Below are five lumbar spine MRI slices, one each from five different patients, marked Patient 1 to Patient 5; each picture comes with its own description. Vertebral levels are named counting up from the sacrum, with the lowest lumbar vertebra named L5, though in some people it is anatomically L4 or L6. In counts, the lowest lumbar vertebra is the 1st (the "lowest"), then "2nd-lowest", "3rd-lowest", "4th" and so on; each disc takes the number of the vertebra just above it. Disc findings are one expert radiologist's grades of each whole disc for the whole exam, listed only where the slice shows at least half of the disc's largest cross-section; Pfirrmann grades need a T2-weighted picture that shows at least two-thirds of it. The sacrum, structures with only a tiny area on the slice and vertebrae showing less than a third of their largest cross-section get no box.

Patient 1 of 5:
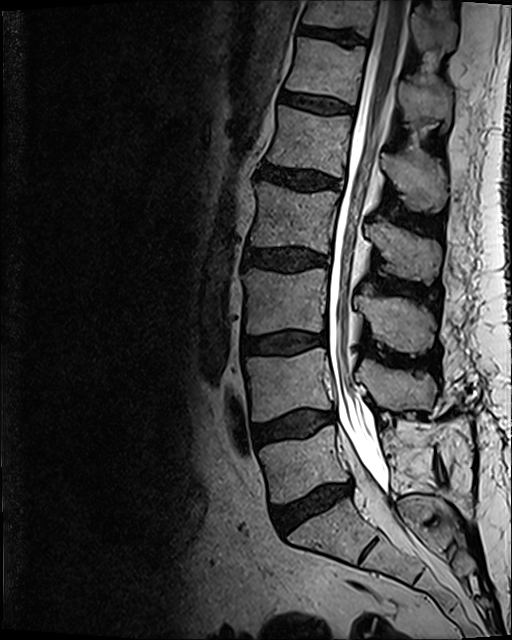 MRI lumbar spine (T2 SPACE (3D)), sagittal plane; Image 512x640
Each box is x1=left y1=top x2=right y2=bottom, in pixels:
Annotations:
• intervertebral disc T12/L1 (6th disc): x1=281 y1=93 x2=353 y2=113
• spinal canal: x1=327 y1=0 x2=409 y2=508
• intervertebral disc L1/L2 (5th disc): x1=258 y1=161 x2=337 y2=190
• intervertebral disc L2/L3 (4th disc): x1=243 y1=247 x2=327 y2=270
• L1 (5th vertebra): x1=267 y1=105 x2=446 y2=211
• L5 (lowest vertebra): x1=259 y1=424 x2=433 y2=503
• L4/L5 (2nd-lowest disc): x1=253 y1=409 x2=335 y2=444
• L3/L4 (3rd-lowest disc): x1=244 y1=332 x2=319 y2=354
• intervertebral disc L5/S1 (lowest disc): x1=272 y1=485 x2=350 y2=533
• T11 (7th vertebra): x1=302 y1=0 x2=460 y2=53
• T12 (6th vertebra): x1=286 y1=38 x2=453 y2=128
• L3 (3rd-lowest vertebra): x1=244 y1=269 x2=436 y2=353
• T11/T12 (7th disc): x1=299 y1=24 x2=365 y2=45
• L4 (2nd-lowest vertebra): x1=246 y1=351 x2=437 y2=421
• L2 (4th vertebra): x1=251 y1=182 x2=441 y2=283

Degenerative findings by level:
• T11/T12 (7th disc): Pfirrmann grade 3
• L3/L4 (3rd-lowest disc): Pfirrmann grade 2, Modic type II, disc bulging
• L4/L5 (2nd-lowest disc): Pfirrmann grade 2, Modic type II, disc bulging
• T12/L1 (6th disc): Pfirrmann grade 2
• L5/S1 (lowest disc): Pfirrmann grade 3, disc bulging, Modic type II, disc narrowing
• L2/L3 (4th disc): Pfirrmann grade 3, disc bulging
• L1/L2 (5th disc): Pfirrmann grade 3, disc bulging

Patient 2 of 5:
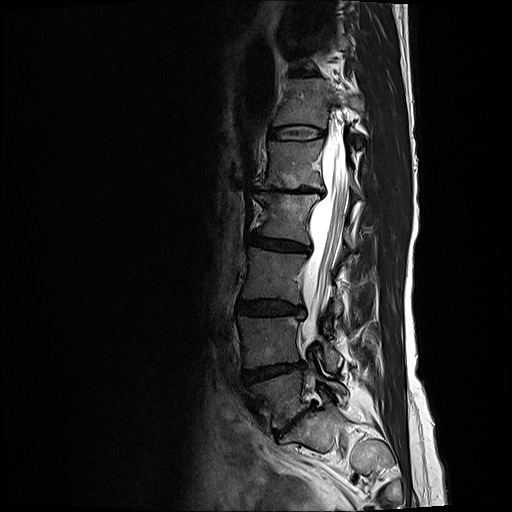
Patient sex: F, T2-weighted sagittal MRI of the lumbar spine

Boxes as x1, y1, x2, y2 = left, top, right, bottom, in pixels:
T12: 275, 79, 363, 128
L5: 248, 371, 346, 428
L1/L2: 257, 185, 321, 194
intervertebral disc L5/S1: 276, 405, 313, 436
spinal canal: 302, 141, 345, 344
L2: 254, 194, 355, 250
L4: 239, 316, 342, 371
L2/L3: 250, 231, 309, 252
L3 vertebra: 243, 248, 341, 314
L3/L4: 238, 299, 303, 316
L4/L5: 243, 363, 303, 382
intervertebral disc T12/L1: 270, 124, 325, 140
L1 vertebra: 256, 140, 361, 195

Radiological gradings:
  L4/L5: Pfirrmann grade 4, Modic type II, disc narrowing, disc bulging
  L3/L4: Pfirrmann grade 3, disc bulging
  L1/L2: Pfirrmann grade 5, upper-endplate change, disc bulging, lower-endplate change, disc narrowing, Modic type II
  L2/L3: disc bulging, disc narrowing
  T12/L1: Pfirrmann grade 2

Patient 3 of 5:
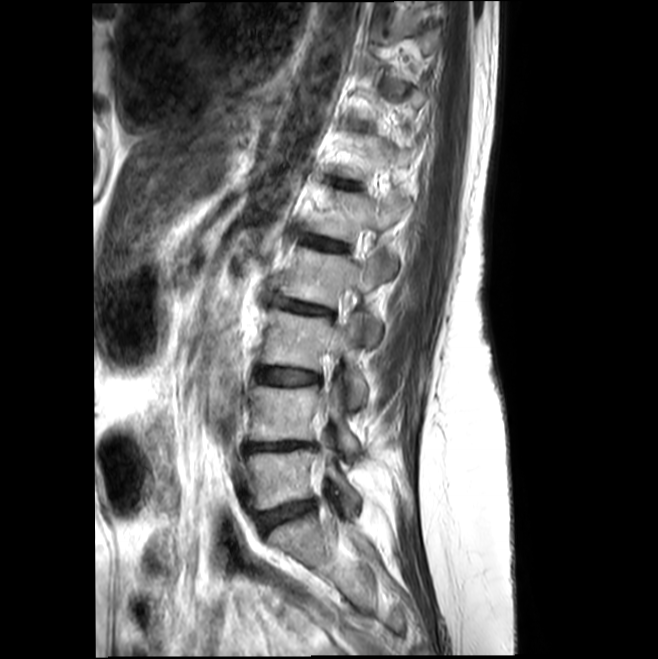
Patient sex: F. T2-weighted sagittal MRI of the lumbar spine. Slice spacing 4.4 mm. Sagittal slice index 11.
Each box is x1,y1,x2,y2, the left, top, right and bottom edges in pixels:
L1: 306,191,409,272.
T12 vertebra: 336,134,410,180.
Intervertebral disc L3/L4: 256,368,320,385.
T12/L1: 337,181,354,188.
L4/L5: 247,441,316,450.
L2: 279,248,388,345.
L3 vertebra: 261,309,365,407.
Intervertebral disc L1/L2: 304,237,345,250.
L5 vertebra: 247,449,359,510.
L5/S1: 256,502,313,531.
L2/L3: 275,299,334,315.
L4 vertebra: 250,384,359,459.

Per-level radiological findings:
  L3/L4: Pfirrmann grade 2, Modic type II, disc bulging
  L5/S1: disc bulging
  L4/L5: Pfirrmann grade 3, Modic type II, disc bulging, upper-endplate change, lower-endplate change
  L2/L3: Pfirrmann grade 2, disc bulging
  L1/L2: no Modic or endplate change, herniation, narrowing, bulging or spondylolisthesis recorded

Patient 4 of 5:
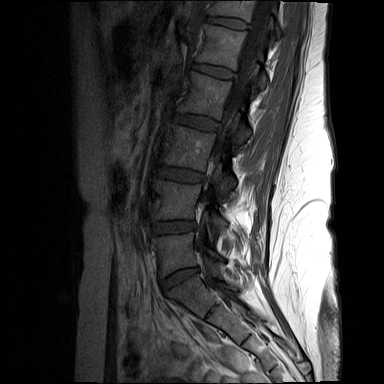
Image 384x384; MRI lumbar spine (T1-weighted), sagittal plane; Sex F
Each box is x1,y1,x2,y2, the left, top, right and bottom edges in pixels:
Lowest disc at 160,268,197,290.
2nd-lowest vertebra at 154,180,227,230.
Thecal sac / spinal canal at 197,0,272,302.
Lowest vertebra at 152,232,224,277.
5th disc at 193,64,232,78.
4th vertebra at 178,71,251,145.
6th disc at 207,17,246,29.
5th vertebra at 196,24,268,89.
3rd-lowest disc at 159,167,202,181.
3rd-lowest vertebra at 164,125,236,194.
2nd-lowest disc at 153,221,195,233.
6th vertebra at 210,0,281,37.
4th disc at 174,115,219,130.

Degenerative findings by level:
  2nd-lowest disc, 6th disc, 5th disc, 3rd-lowest disc, lowest disc, 4th disc: no herniation, bulging, narrowing, spondylolisthesis, endplate or Modic change recorded

Patient 5 of 5:
Scanner: Philips Medical Systems Ingenia (1.5T) | Image 613x611 | Lumbar spine MR, T2-weighted, sagittal | Slice spacing 4.4 mm
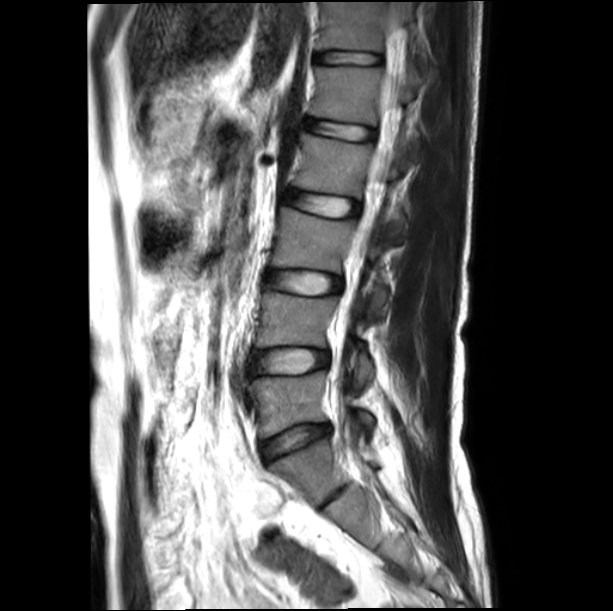

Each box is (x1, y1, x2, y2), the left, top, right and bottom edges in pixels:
L4 vertebra: (256, 292, 372, 385).
L1 vertebra: (311, 66, 420, 156).
L1/L2: (304, 119, 374, 140).
L2: (294, 133, 405, 237).
L3 vertebra: (271, 207, 387, 316).
T12/L1: (316, 51, 379, 64).
L5 vertebra: (249, 371, 373, 437).
T12 vertebra: (317, 2, 415, 51).
L3/L4: (265, 271, 341, 294).
Intervertebral disc L2/L3: (283, 190, 359, 217).
Thecal sac / spinal canal: (331, 3, 399, 411).
Intervertebral disc L4/L5: (251, 349, 328, 375).
Intervertebral disc L5/S1: (261, 424, 330, 459).

Per-level radiological findings:
  L4/L5: Pfirrmann grade 1
  L3/L4: Pfirrmann grade 1
  L1/L2: Pfirrmann grade 1
  L5/S1: Pfirrmann grade 2, disc narrowing, disc bulging
  T12/L1: Pfirrmann grade 1
  L2/L3: Pfirrmann grade 1